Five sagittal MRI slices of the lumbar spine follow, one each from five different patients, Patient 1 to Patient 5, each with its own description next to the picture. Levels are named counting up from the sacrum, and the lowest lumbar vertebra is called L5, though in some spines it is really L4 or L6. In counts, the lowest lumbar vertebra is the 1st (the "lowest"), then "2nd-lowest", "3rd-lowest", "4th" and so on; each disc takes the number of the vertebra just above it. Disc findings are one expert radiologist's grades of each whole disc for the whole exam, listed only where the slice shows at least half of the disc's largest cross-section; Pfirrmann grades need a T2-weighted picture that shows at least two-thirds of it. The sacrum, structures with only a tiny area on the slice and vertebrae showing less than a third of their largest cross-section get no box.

Patient 1 of 5:
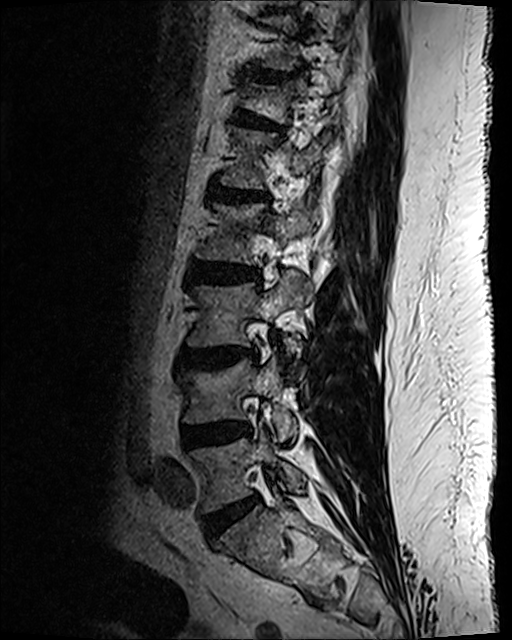
Slice 36/120, Slice spacing 0.9 mm, MRI lumbar spine (T2 SPACE (3D)), sagittal plane, Image 512x640

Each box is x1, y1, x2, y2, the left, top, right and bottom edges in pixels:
Segmented structures:
• L2 vertebra at 196, 205, 314, 264
• T12 at 243, 80, 306, 122
• disc L5/S1 at 204, 500, 254, 535
• T12/L1 at 240, 115, 276, 130
• disc L2/L3 at 190, 262, 259, 283
• L1/L2 at 210, 183, 264, 205
• L3 vertebra at 188, 273, 311, 357
• L4 vertebra at 182, 356, 296, 441
• L1 at 221, 127, 330, 188
• disc L4/L5 at 182, 424, 249, 447
• L5 at 192, 430, 305, 511
• L3/L4 at 181, 349, 257, 367
• disc T11/T12 at 249, 68, 303, 82

Degenerative findings by level:
- L3/L4: upper-endplate change, Modic type II, disc bulging, lower-endplate change
- L1/L2: disc narrowing, lower-endplate change, Modic type II, upper-endplate change, disc bulging
- L2/L3: Pfirrmann grade 3, disc bulging, lower-endplate change
- L4/L5: Pfirrmann grade 3, disc bulging, disc narrowing
- L5/S1: disc bulging

Patient 2 of 5:
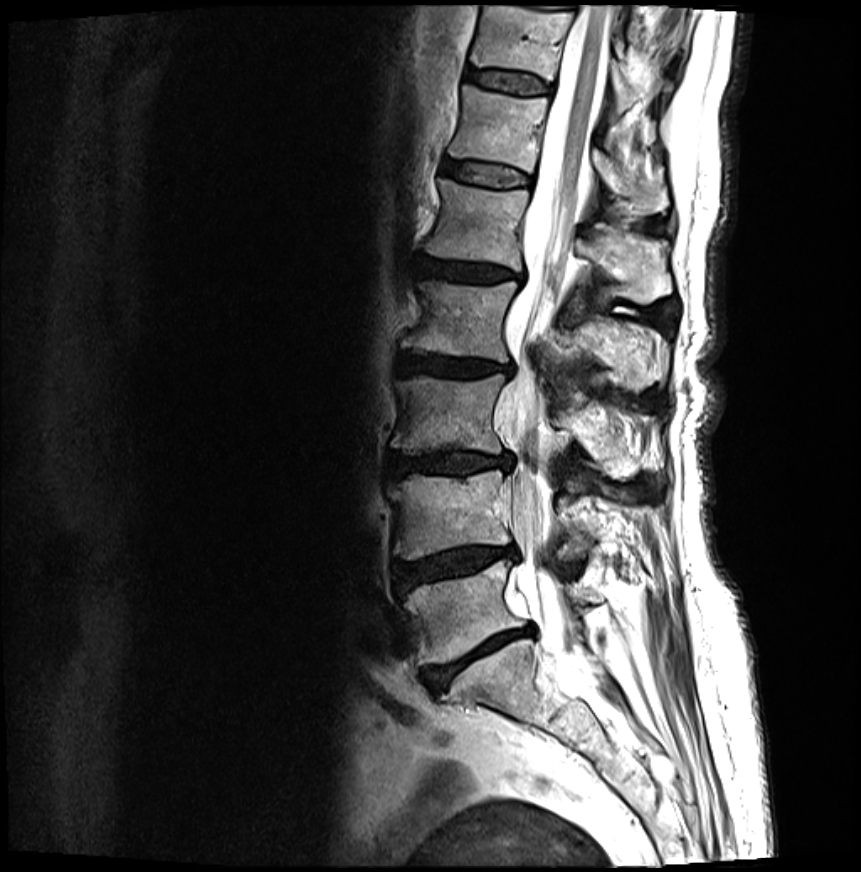 Patient sex: F; Lumbar spine MR, T2-weighted, sagittal
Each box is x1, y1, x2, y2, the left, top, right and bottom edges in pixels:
L3 (3rd-lowest vertebra): 390, 374, 635, 477
L1 (5th vertebra): 425, 180, 672, 303
T12 (6th vertebra): 449, 86, 668, 213
L1/L2 (5th disc): 419, 257, 520, 282
T11/T12 (7th disc): 466, 70, 550, 94
L3/L4 (3rd-lowest disc): 387, 450, 512, 477
intervertebral disc L5/S1 (lowest disc): 424, 628, 530, 691
L5 (lowest vertebra): 404, 561, 601, 665
L4 (2nd-lowest vertebra): 388, 471, 591, 560
L4/L5 (2nd-lowest disc): 393, 547, 515, 592
L2/L3 (4th disc): 397, 355, 510, 377
T12/L1 (6th disc): 442, 162, 529, 187
T11 (7th vertebra): 469, 6, 638, 113
L2 (4th vertebra): 402, 281, 668, 403
thecal sac / spinal canal: 506, 6, 611, 699

Expert MSK radiologist gradings (per disc):
• L3/L4 (3rd-lowest disc): Pfirrmann grade 4, lower-endplate change, disc bulging, upper-endplate change, Modic type II, disc narrowing
• T11/T12 (7th disc): Pfirrmann grade 2, upper-endplate change, lower-endplate change, Modic type II
• L2/L3 (4th disc): Pfirrmann grade 4, disc narrowing, lower-endplate change, upper-endplate change, Modic type II, disc bulging
• L5/S1 (lowest disc): Pfirrmann grade 5, Modic type II, disc narrowing, upper-endplate change, lower-endplate change, disc bulging
• T12/L1 (6th disc): Pfirrmann grade 2, lower-endplate change, upper-endplate change, Modic type II
• L4/L5 (2nd-lowest disc): Pfirrmann grade 4, disc herniation, Modic type II, lower-endplate change, upper-endplate change, disc narrowing, disc bulging
• L1/L2 (5th disc): Pfirrmann grade 4, lower-endplate change, upper-endplate change, disc bulging, disc narrowing, Modic type II

Patient 3 of 5:
Image 448x448, T2-weighted sagittal MRI of the lumbar spine

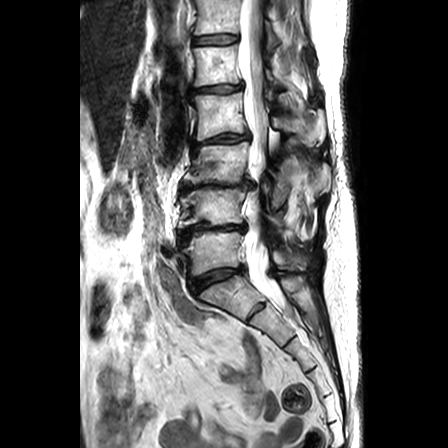 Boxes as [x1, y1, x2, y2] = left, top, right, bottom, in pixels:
L4 (2nd-lowest vertebra) — [178, 187, 281, 229].
L1 (5th vertebra) — [193, 43, 289, 91].
L2 (4th vertebra) — [192, 92, 324, 145].
Intervertebral disc L1/L2 (5th disc) — [190, 83, 243, 94].
L2/L3 (4th disc) — [190, 131, 248, 154].
Intervertebral disc L4/L5 (2nd-lowest disc) — [178, 223, 245, 243].
L5 (lowest vertebra) — [182, 231, 305, 276].
L3/L4 (3rd-lowest disc) — [180, 180, 255, 190].
Intervertebral disc L5/S1 (lowest disc) — [188, 266, 245, 295].
T12 (6th vertebra) — [195, 0, 277, 50].
Spinal canal — [240, 0, 288, 309].
L3 (3rd-lowest vertebra) — [183, 141, 286, 209].
T12/L1 (6th disc) — [193, 34, 237, 43].

Radiological gradings:
• T12/L1 (6th disc): Pfirrmann grade 1
• L1/L2 (5th disc): Pfirrmann grade 2, disc bulging
• L5/S1 (lowest disc): Pfirrmann grade 3, disc bulging, lower-endplate change, upper-endplate change, disc narrowing
• L2/L3 (4th disc): Pfirrmann grade 3, upper-endplate change, disc bulging, disc narrowing, lower-endplate change
• L3/L4 (3rd-lowest disc): upper-endplate change, Modic type II, lower-endplate change, disc bulging, disc narrowing
• L4/L5 (2nd-lowest disc): Pfirrmann grade 5, Modic type II, upper-endplate change, lower-endplate change, disc bulging, disc narrowing

Patient 4 of 5:
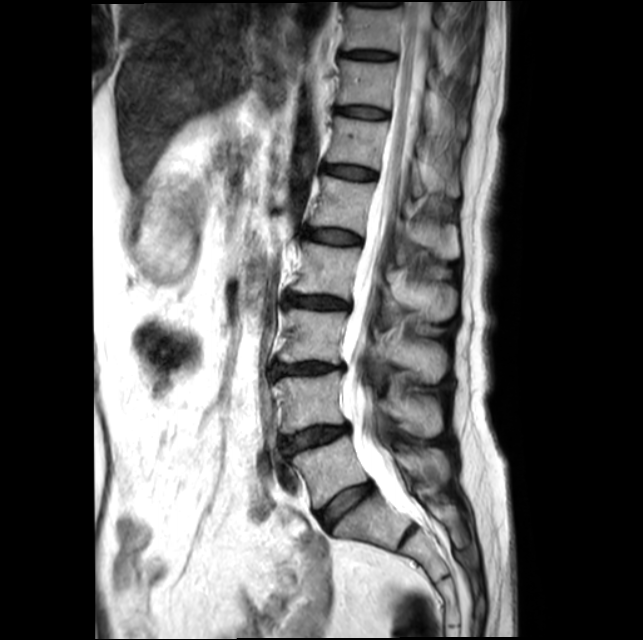

Sagittal T2-weighted lumbar spine MRI; Slice 8 of 18; 643x640 px; Field of view 310x308 mm, slice spacing 4.4 mm
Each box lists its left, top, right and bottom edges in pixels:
T11/T12 — left=337, top=107, right=386, bottom=117.
L2 vertebra — left=293, top=243, right=456, bottom=322.
L3/L4 — left=274, top=362, right=341, bottom=375.
T11 — left=338, top=60, right=440, bottom=127.
Spinal canal — left=343, top=2, right=430, bottom=520.
L1 vertebra — left=311, top=175, right=459, bottom=264.
L4/L5 — left=282, top=425, right=347, bottom=454.
L2/L3 — left=288, top=295, right=347, bottom=308.
Disc L1/L2 — left=307, top=229, right=360, bottom=243.
L5 — left=289, top=435, right=449, bottom=507.
T10 — left=345, top=7, right=445, bottom=61.
L3 vertebra — left=279, top=309, right=446, bottom=383.
Disc T12/L1 — left=323, top=166, right=375, bottom=178.
T12 — left=327, top=117, right=459, bottom=196.
L4 vertebra — left=277, top=371, right=441, bottom=437.
T10/T11 — left=342, top=51, right=392, bottom=59.
Disc L5/S1 — left=320, top=483, right=372, bottom=527.

Radiological gradings:
- L4/L5: Pfirrmann grade 2, upper-endplate change, disc bulging, Modic type II, lower-endplate change
- L2/L3: Pfirrmann grade 3, disc narrowing, Modic type II, lower-endplate change, upper-endplate change, disc bulging
- T11/T12: Pfirrmann grade 2
- L3/L4: Pfirrmann grade 3, disc narrowing, Modic type II, lower-endplate change, upper-endplate change, disc bulging
- T12/L1: Pfirrmann grade 2
- L1/L2: Pfirrmann grade 2, Modic type II
- L5/S1: Pfirrmann grade 2
- T10/T11: Pfirrmann grade 2

Patient 5 of 5:
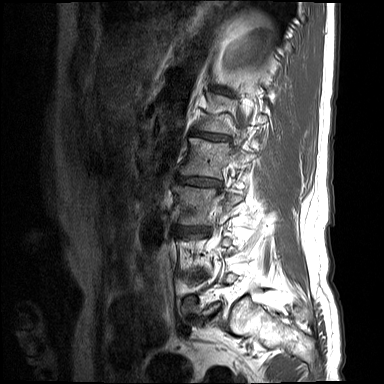 Sex F. Lumbar spine MR, T1-weighted, sagittal.
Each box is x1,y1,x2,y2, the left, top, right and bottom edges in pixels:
Annotations:
- L3/L4: 175,226,210,232
- L3 vertebra: 173,184,243,224
- L1/L2: 192,132,228,140
- L2/L3: 176,176,222,187
- L1: 197,95,267,134
- L2 vertebra: 179,138,256,179

Radiological gradings:
  L3/L4: upper-endplate change, disc narrowing, lower-endplate change, disc bulging
  L1/L2: lower-endplate change, disc narrowing, upper-endplate change
  L2/L3: lower-endplate change, upper-endplate change, disc bulging, disc narrowing